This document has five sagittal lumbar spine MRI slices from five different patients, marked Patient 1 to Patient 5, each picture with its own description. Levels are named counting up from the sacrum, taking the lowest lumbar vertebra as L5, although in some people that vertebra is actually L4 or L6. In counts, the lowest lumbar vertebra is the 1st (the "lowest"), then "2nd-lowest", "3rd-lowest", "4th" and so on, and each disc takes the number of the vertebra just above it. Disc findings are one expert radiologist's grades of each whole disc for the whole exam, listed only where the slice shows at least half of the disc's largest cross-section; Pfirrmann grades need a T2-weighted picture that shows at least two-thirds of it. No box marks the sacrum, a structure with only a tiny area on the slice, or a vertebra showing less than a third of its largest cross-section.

Patient 1 of 5:
MRI lumbar spine (T2 SPACE (3D)), sagittal plane 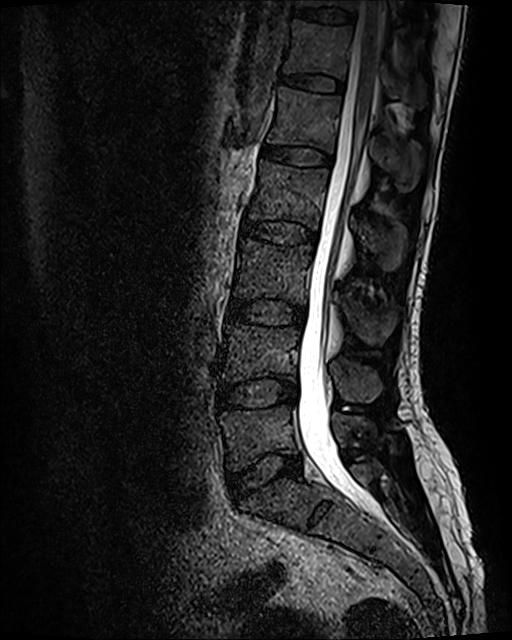

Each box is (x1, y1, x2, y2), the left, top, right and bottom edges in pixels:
2nd-lowest vertebra at (222, 323, 382, 401), thecal sac / spinal canal at (299, 1, 383, 517), 6th vertebra at (284, 19, 425, 104), 2nd-lowest disc at (219, 377, 297, 409), 5th disc at (261, 144, 331, 165), 3rd-lowest disc at (227, 299, 305, 326), 7th disc at (293, 7, 355, 24), 3rd-lowest vertebra at (234, 237, 396, 344), 4th vertebra at (249, 159, 407, 270), lowest vertebra at (220, 405, 372, 471), 5th vertebra at (267, 86, 422, 191), 7th vertebra at (296, 0, 432, 29), lowest disc at (227, 450, 301, 499), 4th disc at (242, 220, 316, 245), 6th disc at (281, 75, 344, 91).

Expert MSK radiologist gradings (per disc):
  5th disc: Pfirrmann grade 2
  6th disc: Pfirrmann grade 2
  lowest disc: Pfirrmann grade 2, disc bulging
  7th disc: Pfirrmann grade 2
  4th disc: Pfirrmann grade 2
  3rd-lowest disc: Pfirrmann grade 2, disc bulging
  2nd-lowest disc: Pfirrmann grade 2, disc bulging

Patient 2 of 5:
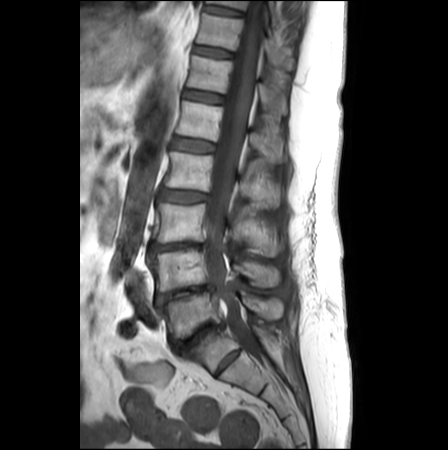 Image 448x450 | MRI lumbar spine (T1-weighted), sagittal plane | Sagittal slice index 13
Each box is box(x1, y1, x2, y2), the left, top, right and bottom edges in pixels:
Annotations:
• 7th vertebra: box(197, 13, 293, 69)
• 6th vertebra: box(186, 55, 285, 113)
• 8th vertebra: box(208, 0, 278, 21)
• 7th disc: box(194, 45, 231, 57)
• 3rd-lowest vertebra: box(156, 202, 282, 256)
• 5th vertebra: box(175, 100, 285, 162)
• 5th disc: box(173, 138, 214, 152)
• 2nd-lowest disc: box(155, 283, 213, 305)
• 4th disc: box(160, 189, 206, 201)
• 8th disc: box(205, 4, 241, 14)
• 3rd-lowest disc: box(149, 241, 207, 250)
• 6th disc: box(184, 90, 223, 102)
• lowest vertebra: box(159, 292, 283, 336)
• 2nd-lowest vertebra: box(149, 248, 280, 291)
• 4th vertebra: box(164, 151, 281, 206)
• lowest disc: box(172, 323, 223, 352)
• thecal sac / spinal canal: box(206, 1, 265, 361)

Per-level radiological findings:
- 3rd-lowest disc: lower-endplate change, disc bulging, upper-endplate change, disc narrowing
- 4th disc: disc bulging
- 2nd-lowest disc: disc narrowing, disc bulging
- lowest disc: Modic type II, lower-endplate change, disc bulging, disc narrowing, upper-endplate change
- 7th disc, 5th disc, 6th disc, 8th disc: no Modic or endplate change, herniation, narrowing, bulging or spondylolisthesis recorded

Patient 3 of 5:
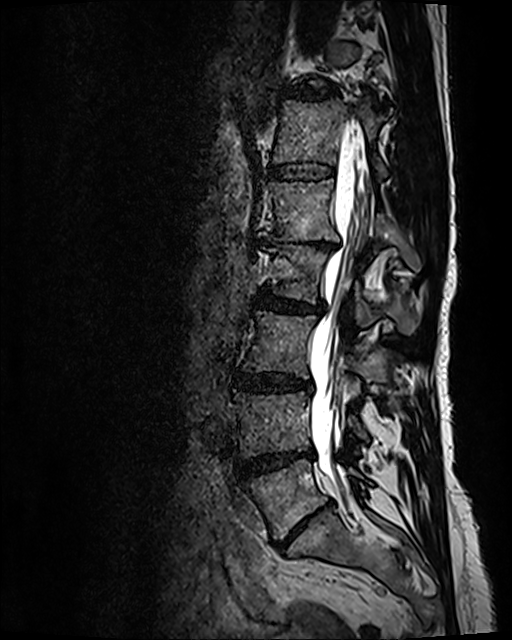 Sex F; 512x640 px; Sagittal T2 SPACE (3D) lumbar spine MRI
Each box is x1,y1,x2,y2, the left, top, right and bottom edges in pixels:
Structures:
• T12/L1: 268,162,333,180
• L2/L3: 256,289,322,313
• L4/L5: 236,452,313,476
• L1/L2: 263,237,340,250
• L5: 241,458,363,539
• T12 vertebra: 273,99,387,177
• L3: 243,311,389,384
• L1: 258,179,423,273
• L4 vertebra: 234,392,367,458
• intervertebral disc L5/S1: 277,504,328,548
• L3/L4: 235,373,311,392
• L2 vertebra: 268,247,419,334
• thecal sac / spinal canal: 308,128,369,491
• intervertebral disc T11/T12: 282,83,343,99

Radiological gradings:
• L2/L3: disc bulging, disc narrowing
• T12/L1: Pfirrmann grade 2
• L1/L2: Pfirrmann grade 5, upper-endplate change, Modic type II, disc bulging, lower-endplate change, disc narrowing
• T11/T12: Pfirrmann grade 3, disc narrowing, disc bulging
• L4/L5: Pfirrmann grade 4, Modic type II, disc narrowing, disc bulging
• L3/L4: Pfirrmann grade 3, disc bulging

Patient 4 of 5:
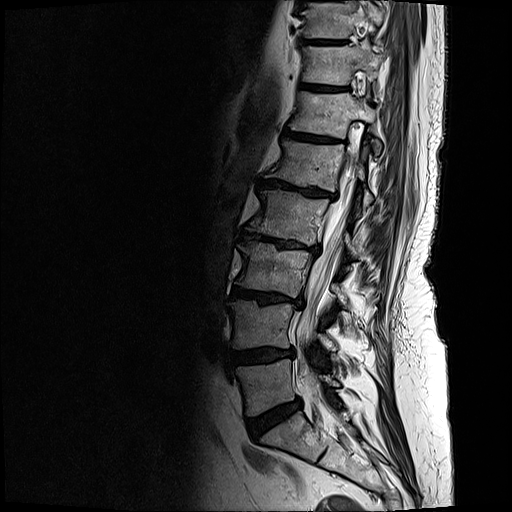

512x512 px | MRI lumbar spine (T2-weighted), sagittal plane

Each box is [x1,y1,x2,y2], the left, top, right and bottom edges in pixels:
Segmented structures:
- spinal canal: [295,152,356,394]
- L1/L2: [258,180,335,198]
- intervertebral disc L4/L5: [228,348,293,366]
- intervertebral disc T12/L1: [282,130,331,141]
- intervertebral disc L2/L3: [240,231,317,251]
- intervertebral disc L3/L4: [231,287,302,305]
- intervertebral disc T11/T12: [302,85,332,90]
- L1 vertebra: [266,139,372,207]
- L5/S1: [247,399,301,439]
- T10: [303,0,384,38]
- T12: [290,91,380,155]
- L4 vertebra: [228,300,335,352]
- L3: [236,241,345,305]
- intervertebral disc T10/T11: [302,39,345,42]
- L2 vertebra: [246,190,356,257]
- T11: [303,44,381,86]
- L5: [237,359,338,416]

Degenerative findings by level:
- L5/S1: Pfirrmann grade 4, disc bulging
- L4/L5: Pfirrmann grade 4, disc bulging, upper-endplate change, lower-endplate change
- T11/T12: upper-endplate change, lower-endplate change
- L3/L4: Pfirrmann grade 5, lower-endplate change, disc narrowing, Modic type II, upper-endplate change, disc bulging
- T12/L1: Pfirrmann grade 4, upper-endplate change, lower-endplate change, Modic type II
- L2/L3: disc narrowing, upper-endplate change, disc bulging, Modic type II, lower-endplate change
- L1/L2: Pfirrmann grade 5, disc narrowing, disc bulging, lower-endplate change, upper-endplate change, Modic type II
- T10/T11: lower-endplate change, upper-endplate change

Patient 5 of 5:
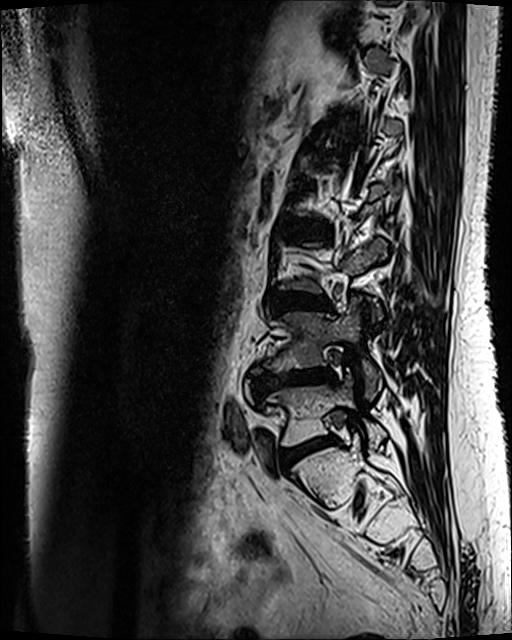 Field of view 240x300 mm, slice spacing 0.9 mm, Sex F, MRI lumbar spine (T2 SPACE (3D)), sagittal plane

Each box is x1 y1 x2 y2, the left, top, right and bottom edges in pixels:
• lowest vertebra: 266 376 386 446
• 2nd-lowest vertebra: 254 298 382 399
• 2nd-lowest disc: 254 368 335 394
• 3rd-lowest disc: 273 295 329 309
• 4th disc: 285 222 327 237
• lowest disc: 279 437 336 469

Per-level radiological findings:
• 2nd-lowest disc: Pfirrmann grade 4, disc bulging, Modic type II, lower-endplate change, upper-endplate change, disc narrowing
• 3rd-lowest disc: Modic type II, disc bulging